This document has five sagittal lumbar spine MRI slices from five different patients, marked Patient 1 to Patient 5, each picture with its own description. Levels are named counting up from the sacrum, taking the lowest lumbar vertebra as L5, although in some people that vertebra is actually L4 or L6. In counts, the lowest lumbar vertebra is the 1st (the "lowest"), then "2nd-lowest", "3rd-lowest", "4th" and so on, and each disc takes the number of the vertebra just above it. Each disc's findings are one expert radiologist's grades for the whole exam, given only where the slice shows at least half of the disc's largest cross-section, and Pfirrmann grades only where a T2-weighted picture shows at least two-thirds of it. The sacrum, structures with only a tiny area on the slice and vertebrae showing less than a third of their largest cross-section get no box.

Patient 1 of 5:
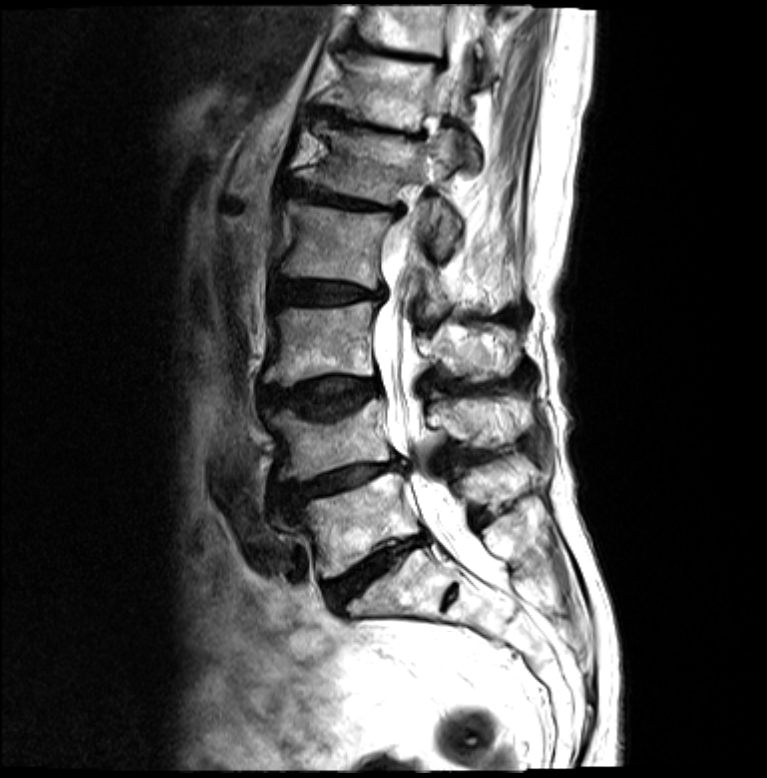 MRI lumbar spine (T2-weighted), sagittal plane; Slice spacing 4.8 mm; Patient sex: F
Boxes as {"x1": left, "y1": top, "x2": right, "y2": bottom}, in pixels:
L3/L4 at {"x1": 262, "y1": 378, "x2": 382, "y2": 417} | intervertebral disc L2/L3 at {"x1": 274, "y1": 281, "x2": 386, "y2": 304} | L5 at {"x1": 270, "y1": 463, "x2": 506, "y2": 578} | L1 vertebra at {"x1": 301, "y1": 123, "x2": 458, "y2": 257} | T12 at {"x1": 321, "y1": 49, "x2": 478, "y2": 169} | intervertebral disc L4/L5 at {"x1": 274, "y1": 456, "x2": 408, "y2": 507} | intervertebral disc L5/S1 at {"x1": 327, "y1": 536, "x2": 422, "y2": 610} | L3 at {"x1": 264, "y1": 302, "x2": 512, "y2": 384} | L2 vertebra at {"x1": 278, "y1": 199, "x2": 452, "y2": 313} | T12/L1 at {"x1": 327, "y1": 111, "x2": 422, "y2": 138} | intervertebral disc L1/L2 at {"x1": 291, "y1": 185, "x2": 404, "y2": 216} | T11 vertebra at {"x1": 351, "y1": 5, "x2": 502, "y2": 79} | spinal canal at {"x1": 373, "y1": 6, "x2": 502, "y2": 585} | intervertebral disc T11/T12 at {"x1": 353, "y1": 45, "x2": 444, "y2": 66} | L4 at {"x1": 266, "y1": 400, "x2": 530, "y2": 482}

Degenerative findings by level:
  L2/L3: Pfirrmann grade 4, disc bulging, upper-endplate change, Modic type II, lower-endplate change, disc narrowing
  L1/L2: Pfirrmann grade 5, disc bulging, disc narrowing, Modic type II, lower-endplate change, upper-endplate change
  T12/L1: disc bulging, disc narrowing, lower-endplate change, upper-endplate change, Modic type II
  L5/S1: Pfirrmann grade 5, lower-endplate change, disc narrowing, upper-endplate change, disc bulging, Modic type II
  L3/L4: Pfirrmann grade 4, Modic type II, lower-endplate change, upper-endplate change, disc bulging
  L4/L5: Pfirrmann grade 4, lower-endplate change, disc narrowing, disc bulging, Modic type II, upper-endplate change

Patient 2 of 5:
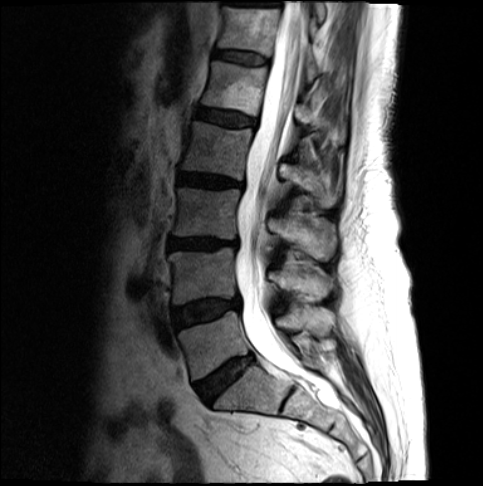 Slice 8/17, Lumbar spine MR, T2-weighted, sagittal

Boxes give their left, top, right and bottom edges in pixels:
Annotations:
- intervertebral disc T12/L1 (6th disc) = left=214, top=50, right=265, bottom=64
- L1/L2 (5th disc) = left=195, top=108, right=254, bottom=126
- L3 (3rd-lowest vertebra) = left=170, top=188, right=336, bottom=260
- T12 (6th vertebra) = left=217, top=7, right=321, bottom=81
- L5 (lowest vertebra) = left=176, top=308, right=332, bottom=380
- L4/L5 (2nd-lowest disc) = left=173, top=297, right=239, bottom=328
- L1 (5th vertebra) = left=200, top=60, right=314, bottom=127
- intervertebral disc L5/S1 (lowest disc) = left=197, top=356, right=253, bottom=401
- L3/L4 (3rd-lowest disc) = left=167, top=238, right=236, bottom=248
- L2/L3 (4th disc) = left=177, top=174, right=245, bottom=187
- thecal sac / spinal canal = left=234, top=2, right=302, bottom=364
- L2 (4th vertebra) = left=180, top=121, right=336, bottom=206
- L4 (2nd-lowest vertebra) = left=167, top=248, right=331, bottom=305

Per-level radiological findings:
- T12/L1 (6th disc): Pfirrmann grade 3
- L2/L3 (4th disc): Pfirrmann grade 4, disc bulging
- L3/L4 (3rd-lowest disc): Pfirrmann grade 4, disc bulging, disc narrowing
- L1/L2 (5th disc): Pfirrmann grade 3, disc bulging
- L4/L5 (2nd-lowest disc): Pfirrmann grade 3, disc bulging
- L5/S1 (lowest disc): Pfirrmann grade 4, disc bulging

Patient 3 of 5:
Sex F | Lumbar spine MR, T1-weighted, sagittal 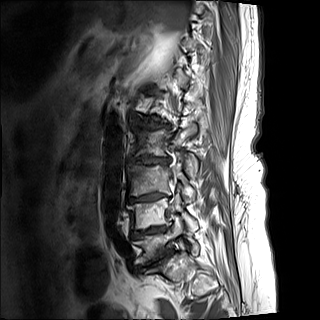
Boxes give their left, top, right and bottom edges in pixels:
{"L3 vertebra": "left=127, top=163, right=196, bottom=201", "L2/L3": "left=128, top=156, right=169, bottom=164", "intervertebral disc L5/S1": "left=137, top=248, right=173, bottom=267", "L2 vertebra": "left=130, top=125, right=196, bottom=173", "L4 vertebra": "left=127, top=194, right=198, bottom=230", "spinal canal": "left=173, top=166, right=179, bottom=191", "intervertebral disc L3/L4": "left=128, top=192, right=169, bottom=202", "intervertebral disc L4/L5": "left=130, top=225, right=168, bottom=238", "intervertebral disc L1/L2": "left=155, top=124, right=169, bottom=128", "L5": "left=132, top=218, right=198, bottom=264"}

Degenerative findings by level:
  L3/L4: disc narrowing, lower-endplate change, disc bulging, upper-endplate change, Modic type II
  L4/L5: upper-endplate change, disc narrowing, disc bulging, Modic type II, lower-endplate change
  L2/L3: Modic type I, upper-endplate change, lower-endplate change, disc narrowing, disc bulging
  L5/S1: Modic type II, lower-endplate change, upper-endplate change, disc narrowing, disc bulging

Patient 4 of 5:
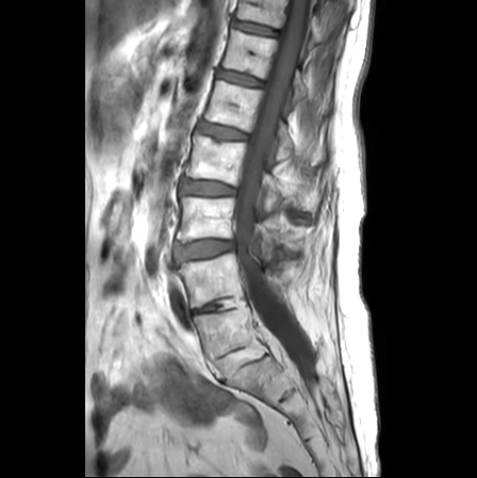 Sex F, Slice 12 of 25, T1-weighted sagittal MRI of the lumbar spine

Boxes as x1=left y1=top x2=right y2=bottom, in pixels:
{"IVD L3/L4": "x1=175 y1=240 x2=234 y2=261", "L2 vertebra": "x1=185 y1=133 x2=314 y2=211", "L1/L2": "x1=198 y1=123 x2=246 y2=138", "T11/T12": "x1=233 y1=20 x2=275 y2=35", "thecal sac / spinal canal": "x1=234 y1=0 x2=312 y2=379", "T12 vertebra": "x1=223 y1=30 x2=307 y2=99", "T11": "x1=236 y1=0 x2=341 y2=52", "L3 vertebra": "x1=177 y1=196 x2=284 y2=244", "L1 vertebra": "x1=204 y1=81 x2=317 y2=162", "L5/S1": "x1=209 y1=349 x2=248 y2=381", "L4 vertebra": "x1=177 y1=253 x2=246 y2=308", "L5 vertebra": "x1=193 y1=305 x2=267 y2=362", "L4/L5": "x1=193 y1=303 x2=222 y2=313", "L2/L3": "x1=181 y1=179 x2=234 y2=194", "T12/L1": "x1=218 y1=70 x2=262 y2=85"}

Degenerative findings by level:
  L1/L2: upper-endplate change, lower-endplate change
  L4/L5: disc narrowing
  L2/L3: disc bulging, upper-endplate change, lower-endplate change
  L3/L4: lower-endplate change, Modic type II, disc bulging, upper-endplate change
  T11/T12, L5/S1, T12/L1: no herniation, bulging, narrowing, spondylolisthesis, endplate or Modic change recorded

Patient 5 of 5:
512x640 px | Scanner: SIEMENS Avanto_fit (1.5T) | Field of view 240x300 mm | Sagittal T2 SPACE (3D) lumbar spine MRI

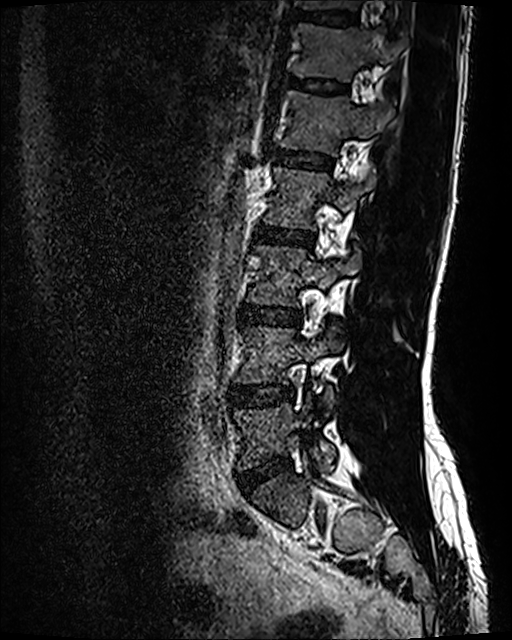 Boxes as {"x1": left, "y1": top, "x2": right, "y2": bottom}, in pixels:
L4 (2nd-lowest vertebra): {"x1": 235, "y1": 327, "x2": 342, "y2": 414}.
Disc T11/T12 (7th disc): {"x1": 292, "y1": 10, "x2": 358, "y2": 26}.
L2 (4th vertebra): {"x1": 262, "y1": 167, "x2": 376, "y2": 230}.
Disc L3/L4 (3rd-lowest disc): {"x1": 241, "y1": 305, "x2": 300, "y2": 325}.
L1 (5th vertebra): {"x1": 277, "y1": 89, "x2": 393, "y2": 156}.
T12/L1 (6th disc): {"x1": 290, "y1": 77, "x2": 347, "y2": 92}.
T12 (6th vertebra): {"x1": 292, "y1": 23, "x2": 406, "y2": 82}.
Disc L1/L2 (5th disc): {"x1": 272, "y1": 149, "x2": 332, "y2": 169}.
L5/S1 (lowest disc): {"x1": 239, "y1": 455, "x2": 290, "y2": 493}.
L5 (lowest vertebra): {"x1": 233, "y1": 395, "x2": 335, "y2": 470}.
Disc L4/L5 (2nd-lowest disc): {"x1": 231, "y1": 383, "x2": 295, "y2": 405}.
L3 (3rd-lowest vertebra): {"x1": 246, "y1": 246, "x2": 361, "y2": 305}.
Disc L2/L3 (4th disc): {"x1": 254, "y1": 226, "x2": 314, "y2": 248}.
T11 (7th vertebra): {"x1": 297, "y1": 0, "x2": 361, "y2": 9}.

Degenerative findings by level:
• L1/L2 (5th disc): Pfirrmann grade 2
• L3/L4 (3rd-lowest disc): disc bulging
• T11/T12 (7th disc): Pfirrmann grade 2
• L4/L5 (2nd-lowest disc): disc bulging
• T12/L1 (6th disc): Pfirrmann grade 2
• L2/L3 (4th disc): no herniation, bulging, narrowing, spondylolisthesis, endplate or Modic change recorded